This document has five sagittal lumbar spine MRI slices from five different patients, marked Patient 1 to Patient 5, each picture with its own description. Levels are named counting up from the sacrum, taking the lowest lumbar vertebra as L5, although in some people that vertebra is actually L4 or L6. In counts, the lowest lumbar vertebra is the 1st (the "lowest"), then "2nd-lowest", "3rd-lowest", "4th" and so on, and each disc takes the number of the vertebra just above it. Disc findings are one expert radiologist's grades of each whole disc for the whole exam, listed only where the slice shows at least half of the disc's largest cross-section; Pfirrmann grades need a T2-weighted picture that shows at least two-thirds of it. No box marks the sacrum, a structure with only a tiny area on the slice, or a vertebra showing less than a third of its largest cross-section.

Patient 1 of 5:
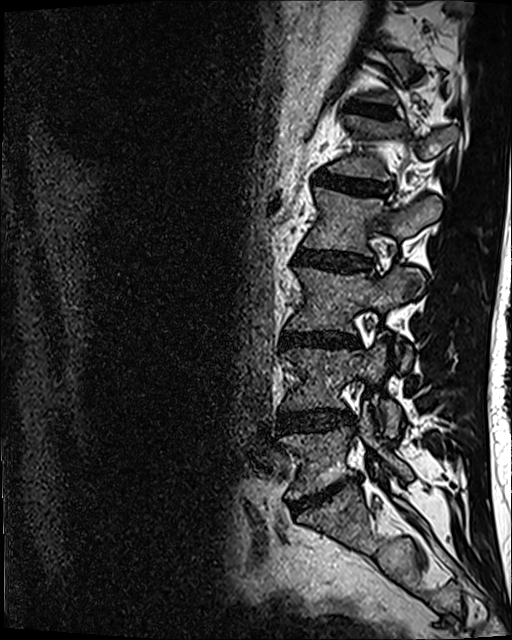 Image 512x640; Sagittal T2 SPACE (3D) lumbar spine MRI
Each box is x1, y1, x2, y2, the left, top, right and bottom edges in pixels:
Segmented structures:
* 6th disc: 350, 104, 394, 117
* 5th vertebra: 330, 114, 456, 181
* 2nd-lowest disc: 277, 410, 349, 430
* lowest vertebra: 280, 406, 412, 498
* 3rd-lowest vertebra: 288, 267, 422, 369
* lowest disc: 291, 477, 356, 512
* 4th disc: 295, 249, 370, 272
* 4th vertebra: 304, 187, 441, 255
* 3rd-lowest disc: 282, 331, 358, 346
* 5th disc: 317, 172, 388, 195
* 2nd-lowest vertebra: 283, 337, 401, 437

Radiological gradings:
- 2nd-lowest disc: Pfirrmann grade 3, disc narrowing, disc bulging
- 5th disc: Pfirrmann grade 4
- 3rd-lowest disc: Pfirrmann grade 4, disc bulging, lower-endplate change, disc narrowing
- 4th disc: Pfirrmann grade 3, disc bulging
- lowest disc: Modic type II, disc bulging, disc narrowing

Patient 2 of 5:
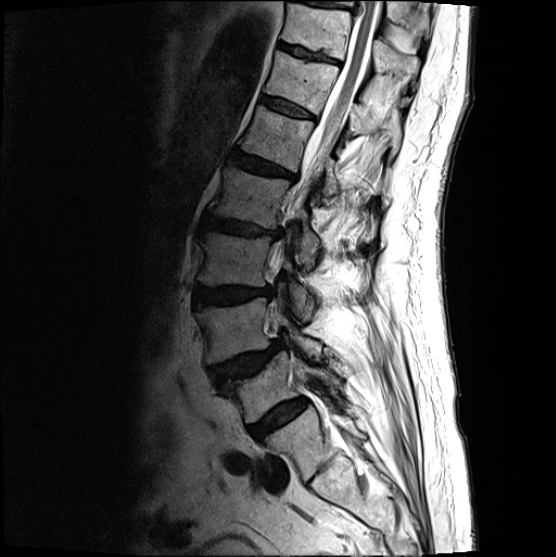 Sagittal slice index 12; Image 556x557; MRI lumbar spine (T2-weighted), sagittal plane
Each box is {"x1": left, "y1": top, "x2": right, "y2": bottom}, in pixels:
L1 at {"x1": 239, "y1": 104, "x2": 341, "y2": 196} | L2/L3 at {"x1": 201, "y1": 212, "x2": 282, "y2": 239} | L3 vertebra at {"x1": 198, "y1": 231, "x2": 313, "y2": 320} | L1/L2 at {"x1": 228, "y1": 150, "x2": 295, "y2": 180} | T11/T12 at {"x1": 278, "y1": 42, "x2": 340, "y2": 63} | T11 vertebra at {"x1": 281, "y1": 3, "x2": 419, "y2": 84} | IVD T12/L1 at {"x1": 261, "y1": 96, "x2": 315, "y2": 119} | L2 at {"x1": 208, "y1": 166, "x2": 319, "y2": 263} | L5 at {"x1": 225, "y1": 351, "x2": 340, "y2": 422} | L4 vertebra at {"x1": 196, "y1": 297, "x2": 321, "y2": 363} | L3/L4 at {"x1": 194, "y1": 286, "x2": 273, "y2": 308} | L5/S1 at {"x1": 247, "y1": 398, "x2": 307, "y2": 439} | L4/L5 at {"x1": 211, "y1": 341, "x2": 283, "y2": 384} | T12 at {"x1": 264, "y1": 51, "x2": 401, "y2": 141} | thecal sac / spinal canal at {"x1": 270, "y1": 0, "x2": 379, "y2": 269}

Per-level radiological findings:
  L1/L2: Pfirrmann grade 4, upper-endplate change, lower-endplate change, disc bulging
  L3/L4: Pfirrmann grade 4, disc bulging
  L5/S1: Pfirrmann grade 4
  T12/L1: Pfirrmann grade 3
  L4/L5: Pfirrmann grade 4, upper-endplate change, spondylolisthesis, disc herniation
  T11/T12: Pfirrmann grade 3, lower-endplate change
  L2/L3: Pfirrmann grade 4, disc bulging, lower-endplate change, upper-endplate change, disc narrowing

Patient 3 of 5:
Image 509x512; MRI lumbar spine (T1-weighted), sagittal plane; Slice 16/26

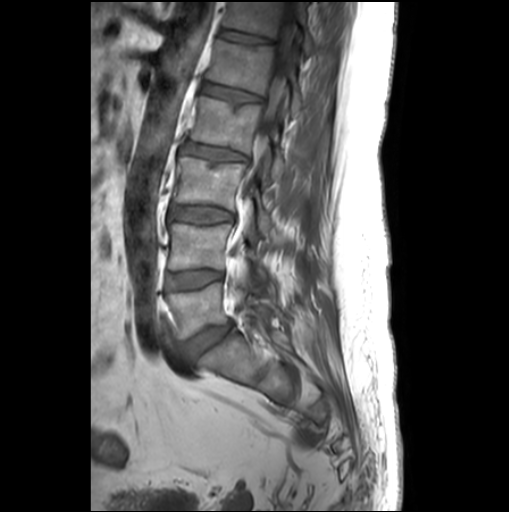

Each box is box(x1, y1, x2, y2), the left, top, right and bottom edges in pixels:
L3 vertebra — box(174, 157, 272, 232).
IVD L3/L4 — box(170, 205, 233, 223).
L2 vertebra — box(191, 96, 287, 179).
IVD L5/S1 — box(186, 322, 232, 357).
T12 vertebra — box(223, 2, 315, 55).
Spinal canal — box(233, 14, 293, 251).
L2/L3 — box(184, 143, 247, 160).
L5 vertebra — box(167, 282, 269, 338).
IVD L1/L2 — box(206, 83, 261, 104).
L4 vertebra — box(168, 223, 266, 276).
L1 vertebra — box(207, 40, 304, 114).
IVD L4/L5 — box(167, 270, 223, 290).
IVD T12/L1 — box(220, 29, 272, 43).

Per-level radiological findings:
• L2/L3: lower-endplate change, upper-endplate change, disc bulging
• L5/S1: disc bulging
• L1/L2: lower-endplate change, upper-endplate change
• T12/L1, L3/L4, L4/L5: no spondylolisthesis, narrowing, bulging, herniation, Modic or endplate change recorded

Patient 4 of 5:
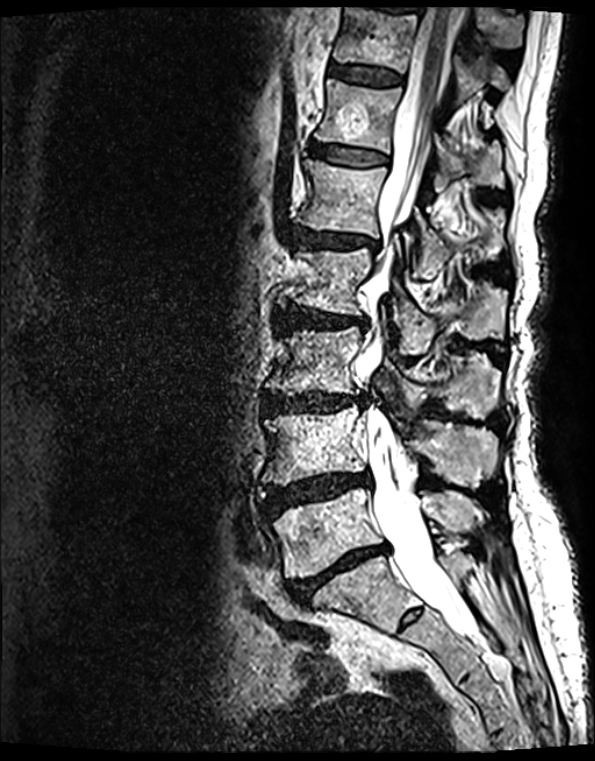 Field of view 240x307 mm | Sex F | T2 SPACE (3D) sagittal MRI of the lumbar spine
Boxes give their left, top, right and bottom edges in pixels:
L5/S1 (lowest disc) at left=291, top=545, right=386, bottom=602.
L1 (5th vertebra) at left=299, top=161, right=504, bottom=278.
IVD L2/L3 (4th disc) at left=278, top=309, right=364, bottom=327.
IVD T12/L1 (6th disc) at left=312, top=144, right=384, bottom=166.
T12 (6th vertebra) at left=315, top=80, right=504, bottom=187.
Thecal sac / spinal canal at left=362, top=8, right=473, bottom=634.
T11 (7th vertebra) at left=334, top=8, right=507, bottom=99.
L2 (4th vertebra) at left=292, top=249, right=507, bottom=354.
IVD L1/L2 (5th disc) at left=293, top=228, right=372, bottom=247.
L3/L4 (3rd-lowest disc) at left=265, top=394, right=365, bottom=412.
L3 (3rd-lowest vertebra) at left=266, top=328, right=500, bottom=418.
IVD T11/T12 (7th disc) at left=329, top=65, right=401, bottom=86.
L4 (2nd-lowest vertebra) at left=265, top=406, right=497, bottom=488.
L4/L5 (2nd-lowest disc) at left=266, top=473, right=370, bottom=513.
L5 (lowest vertebra) at left=274, top=487, right=483, bottom=579.

Degenerative findings by level:
• L5/S1 (lowest disc): Pfirrmann grade 5, upper-endplate change, Modic type II, disc narrowing, lower-endplate change, disc bulging
• T11/T12 (7th disc): Pfirrmann grade 2, upper-endplate change, lower-endplate change, Modic type II
• L4/L5 (2nd-lowest disc): Pfirrmann grade 4, disc herniation, upper-endplate change, Modic type II, disc bulging, disc narrowing, lower-endplate change
• L2/L3 (4th disc): Pfirrmann grade 4, disc narrowing, upper-endplate change, disc bulging, lower-endplate change, Modic type II
• T12/L1 (6th disc): Pfirrmann grade 2, Modic type II, lower-endplate change, upper-endplate change
• L3/L4 (3rd-lowest disc): Pfirrmann grade 4, lower-endplate change, disc narrowing, disc bulging, upper-endplate change, Modic type II
• L1/L2 (5th disc): Pfirrmann grade 4, upper-endplate change, disc narrowing, disc bulging, Modic type II, lower-endplate change

Patient 5 of 5:
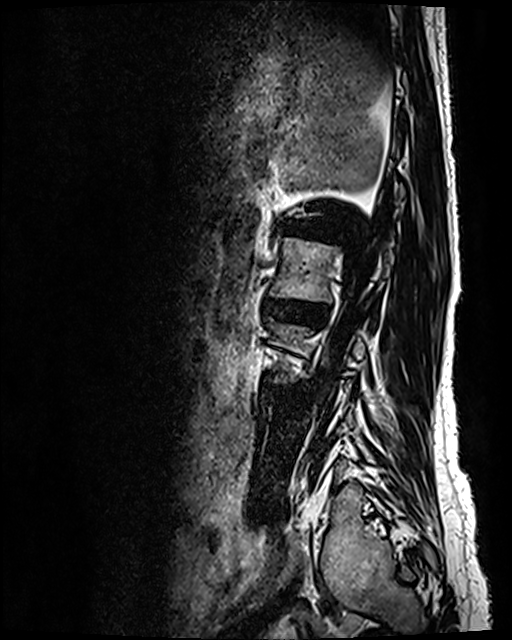
Sex F. T2 SPACE (3D) sagittal MRI of the lumbar spine.

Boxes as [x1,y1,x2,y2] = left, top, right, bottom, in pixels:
L2/L3 (4th disc) at [265,299,326,319], L2 (4th vertebra) at [269,237,389,301], disc L1/L2 (5th disc) at [283,221,333,238].

Per-level radiological findings:
  L2/L3 (4th disc): Pfirrmann grade 3, disc narrowing, disc bulging
  L1/L2 (5th disc): disc narrowing, lower-endplate change, upper-endplate change, Modic type II, disc bulging